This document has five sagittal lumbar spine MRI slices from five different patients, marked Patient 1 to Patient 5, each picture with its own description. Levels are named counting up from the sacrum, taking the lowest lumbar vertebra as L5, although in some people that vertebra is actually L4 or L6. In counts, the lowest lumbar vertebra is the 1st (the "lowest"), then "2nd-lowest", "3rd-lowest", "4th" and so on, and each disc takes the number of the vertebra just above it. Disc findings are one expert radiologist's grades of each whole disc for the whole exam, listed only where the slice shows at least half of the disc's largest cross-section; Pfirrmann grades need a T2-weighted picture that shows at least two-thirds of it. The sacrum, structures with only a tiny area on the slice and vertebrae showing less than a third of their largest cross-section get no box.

Patient 1 of 5:
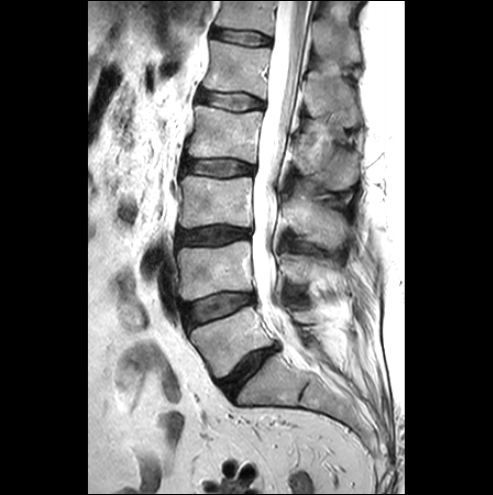 T2-weighted sagittal MRI of the lumbar spine. Image 493x495.
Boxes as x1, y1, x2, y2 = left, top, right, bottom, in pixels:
L2 — 187, 105, 358, 189.
L3 vertebra — 179, 175, 351, 248.
Thecal sac / spinal canal — 252, 1, 309, 330.
L4/L5 — 185, 293, 254, 327.
L4 vertebra — 177, 241, 326, 300.
IVD L2/L3 — 184, 160, 253, 176.
L1 vertebra — 203, 40, 360, 126.
L3/L4 — 177, 226, 250, 244.
L5 — 190, 306, 316, 377.
T12 — 216, 1, 360, 62.
L5/S1 — 218, 346, 277, 397.
T12/L1 — 212, 28, 271, 44.
L1/L2 — 198, 90, 262, 110.

Degenerative findings by level:
- L3/L4: Pfirrmann grade 3, disc bulging
- L1/L2: Pfirrmann grade 1
- L5/S1: Pfirrmann grade 4, disc bulging, disc narrowing
- L4/L5: Pfirrmann grade 1, Modic type III, disc bulging
- L2/L3: Pfirrmann grade 1
- T12/L1: Pfirrmann grade 1

Patient 2 of 5:
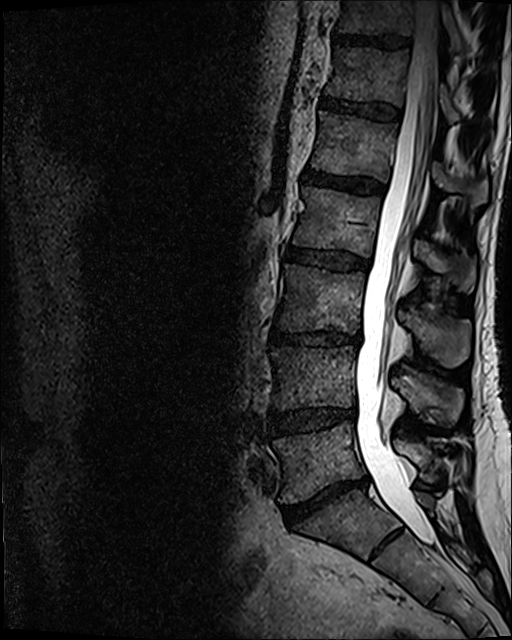 MRI lumbar spine (T2 SPACE (3D)), sagittal plane

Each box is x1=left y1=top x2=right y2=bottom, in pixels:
Structures:
* L4 at x1=271 y1=346 x2=463 y2=421
* L4/L5 at x1=270 y1=408 x2=355 y2=432
* L2 at x1=292 y1=186 x2=475 y2=292
* disc T11/T12 at x1=332 y1=32 x2=408 y2=49
* L5/S1 at x1=282 y1=476 x2=367 y2=522
* thecal sac / spinal canal at x1=356 y1=1 x2=439 y2=545
* disc L2/L3 at x1=288 y1=248 x2=368 y2=270
* L5 vertebra at x1=273 y1=422 x2=438 y2=502
* L1 at x1=312 y1=111 x2=488 y2=207
* disc L1/L2 at x1=303 y1=168 x2=383 y2=193
* T11 vertebra at x1=336 y1=0 x2=463 y2=53
* L3/L4 at x1=272 y1=331 x2=361 y2=346
* T12 vertebra at x1=325 y1=46 x2=460 y2=121
* L3 vertebra at x1=276 y1=264 x2=471 y2=367
* T12/L1 at x1=321 y1=96 x2=400 y2=119

Expert MSK radiologist gradings (per disc):
• L5/S1: Pfirrmann grade 5, disc bulging, disc narrowing, Modic type II
• L3/L4: Pfirrmann grade 4, lower-endplate change, disc narrowing, disc bulging
• T12/L1: Pfirrmann grade 3
• L4/L5: Pfirrmann grade 3, disc narrowing, disc bulging
• L2/L3: Pfirrmann grade 3, disc bulging
• T11/T12: Pfirrmann grade 4
• L1/L2: Pfirrmann grade 4

Patient 3 of 5:
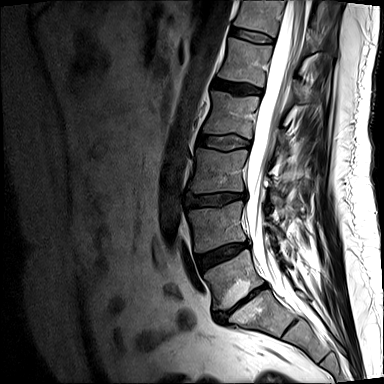 Slice 9/15 | Sagittal T2-weighted lumbar spine MRI | Image 384x384
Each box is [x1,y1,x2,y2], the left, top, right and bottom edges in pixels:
Disc L4/L5 (2nd-lowest disc) — [195,241,248,269].
L3 (3rd-lowest vertebra) — [187,148,282,199].
Disc L3/L4 (3rd-lowest disc) — [187,193,246,207].
L1/L2 (5th disc) — [212,80,262,95].
L5/S1 (lowest disc) — [217,284,265,316].
L4 (2nd-lowest vertebra) — [188,200,282,251].
L2 (4th vertebra) — [201,91,288,156].
L1 (5th vertebra) — [217,38,310,102].
Disc T12/L1 (6th disc) — [229,28,274,43].
Thecal sac / spinal canal — [246,0,307,303].
Disc L2/L3 (4th disc) — [197,134,250,150].
T12 (6th vertebra) — [234,0,334,54].
L5 (lowest vertebra) — [204,248,290,309].

Radiological gradings:
• L2/L3 (4th disc): Pfirrmann grade 1
• L4/L5 (2nd-lowest disc): Pfirrmann grade 4, lower-endplate change, disc bulging, disc narrowing
• L3/L4 (3rd-lowest disc): Pfirrmann grade 1, disc bulging
• T12/L1 (6th disc): Pfirrmann grade 2
• L1/L2 (5th disc): Pfirrmann grade 4, upper-endplate change
• L5/S1 (lowest disc): Pfirrmann grade 5, Modic type II, disc narrowing, lower-endplate change, disc bulging, upper-endplate change

Patient 4 of 5:
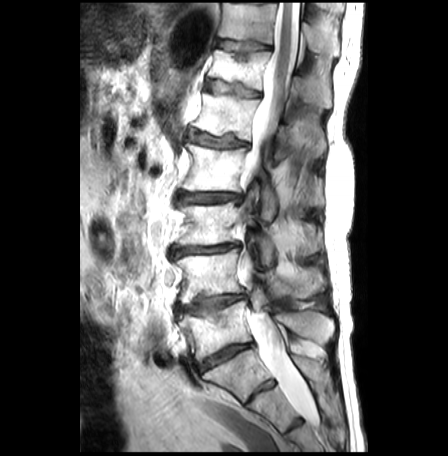 Slice 19 of 30, T2-weighted sagittal MRI of the lumbar spine, Field of view 280x285 mm
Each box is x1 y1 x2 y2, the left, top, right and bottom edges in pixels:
4th vertebra at 182 143 322 221, 3rd-lowest disc at 170 244 237 256, 6th vertebra at 208 49 331 108, 6th disc at 205 79 259 96, 2nd-lowest disc at 176 294 247 318, 7th disc at 216 39 270 59, 7th vertebra at 218 3 339 55, lowest disc at 198 343 252 372, 2nd-lowest vertebra at 175 249 324 303, lowest vertebra at 180 301 334 360, 5th disc at 189 132 248 147, 5th vertebra at 194 93 325 160, 4th disc at 179 192 242 202, 3rd-lowest vertebra at 176 202 322 266, thecal sac / spinal canal at 238 3 310 410.

Degenerative findings by level:
• 4th disc: disc narrowing, lower-endplate change, disc bulging, Modic type II, upper-endplate change
• lowest disc: Pfirrmann grade 5, disc bulging, Modic type II, disc narrowing
• 2nd-lowest disc: Pfirrmann grade 2, lower-endplate change, Modic type II, upper-endplate change, disc bulging
• 5th disc: Pfirrmann grade 3, lower-endplate change, upper-endplate change, Modic type II, disc bulging
• 7th disc: Pfirrmann grade 1, Modic type II, lower-endplate change, upper-endplate change
• 6th disc: Pfirrmann grade 3, upper-endplate change, Modic type II, lower-endplate change, disc bulging

Patient 5 of 5:
514x516 px, T2-weighted sagittal MRI of the lumbar spine, Patient sex: F 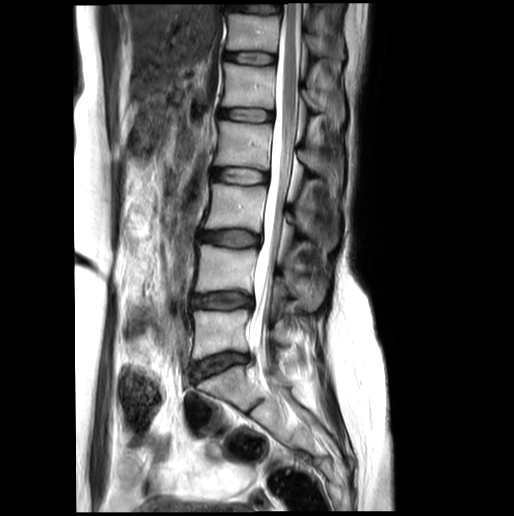
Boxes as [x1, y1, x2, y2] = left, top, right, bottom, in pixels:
Annotations:
• L1/L2 — [219, 108, 272, 121]
• L4/L5 — [191, 292, 252, 308]
• L4 — [195, 244, 324, 307]
• intervertebral disc T12/L1 — [224, 52, 275, 64]
• L5 vertebra — [192, 309, 289, 359]
• T12 — [226, 13, 329, 57]
• L3 — [203, 184, 337, 250]
• L2/L3 — [213, 168, 268, 184]
• L2 vertebra — [215, 121, 343, 182]
• L1 vertebra — [222, 63, 344, 120]
• L5/S1 — [193, 353, 248, 379]
• thecal sac / spinal canal — [251, 3, 300, 379]
• intervertebral disc L3/L4 — [199, 230, 261, 246]

Degenerative findings by level:
- T12/L1: Pfirrmann grade 2
- L5/S1: Pfirrmann grade 3, disc bulging, disc narrowing
- L3/L4: Pfirrmann grade 3
- L4/L5: Pfirrmann grade 3, disc bulging, disc narrowing
- L1/L2: Pfirrmann grade 2
- L2/L3: Pfirrmann grade 2